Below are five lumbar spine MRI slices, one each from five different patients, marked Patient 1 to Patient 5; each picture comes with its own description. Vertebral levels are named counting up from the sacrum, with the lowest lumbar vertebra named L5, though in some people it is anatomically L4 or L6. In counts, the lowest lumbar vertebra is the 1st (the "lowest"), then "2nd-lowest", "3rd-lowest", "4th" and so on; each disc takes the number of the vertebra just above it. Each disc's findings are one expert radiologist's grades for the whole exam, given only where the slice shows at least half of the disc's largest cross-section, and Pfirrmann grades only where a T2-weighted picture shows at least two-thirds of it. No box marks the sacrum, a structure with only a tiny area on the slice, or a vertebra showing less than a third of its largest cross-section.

Patient 1 of 5:
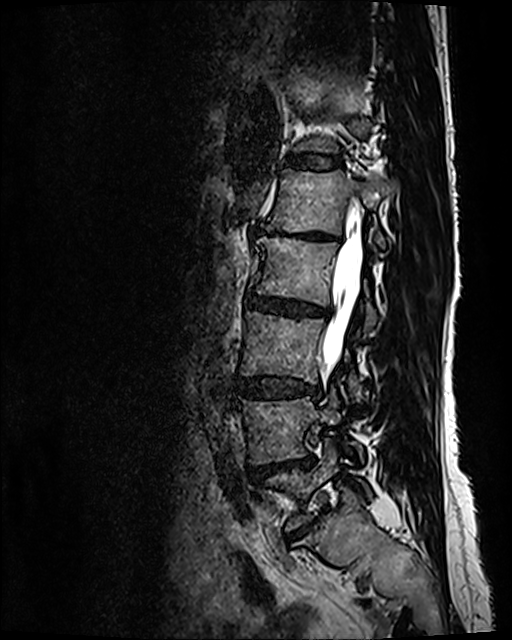

512x640 px; Slice spacing 0.9 mm; T2 SPACE (3D) sagittal MRI of the lumbar spine

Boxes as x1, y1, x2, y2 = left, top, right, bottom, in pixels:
L1 vertebra: 267, 168, 396, 247.
L1/L2: 261, 227, 340, 243.
Thecal sac / spinal canal: 323, 213, 362, 366.
L4/L5: 249, 457, 313, 480.
Intervertebral disc L3/L4: 237, 376, 320, 399.
L2 vertebra: 253, 237, 376, 331.
L5/S1: 288, 519, 316, 538.
L3 vertebra: 240, 311, 361, 402.
L2/L3: 248, 294, 328, 316.
Intervertebral disc T12/L1: 290, 154, 341, 169.
L5: 266, 439, 371, 530.
L4 vertebra: 240, 388, 362, 464.

Per-level radiological findings:
- L3/L4: Pfirrmann grade 3, disc bulging
- L1/L2: Pfirrmann grade 5, disc narrowing, disc bulging, upper-endplate change, Modic type II, lower-endplate change
- L4/L5: disc bulging, disc narrowing, Modic type II
- L2/L3: Pfirrmann grade 3, disc bulging, disc narrowing
- T12/L1: no Modic or endplate change, herniation, narrowing, bulging or spondylolisthesis recorded

Patient 2 of 5:
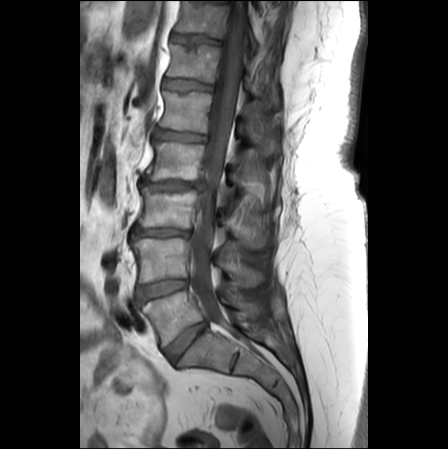
Slice 13/25, Slice spacing 3.3 mm, MRI lumbar spine (T1-weighted), sagittal plane, Image 448x449
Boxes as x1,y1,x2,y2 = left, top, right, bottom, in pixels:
intervertebral disc L3/L4 (3rd-lowest disc): 132,227,190,239
T12/L1 (6th disc): 163,79,211,89
intervertebral disc L2/L3 (4th disc): 139,179,204,189
L4/L5 (2nd-lowest disc): 137,279,187,301
intervertebral disc L5/S1 (lowest disc): 165,322,206,362
L3 (3rd-lowest vertebra): 138,186,267,247
L1 (5th vertebra): 158,92,276,155
intervertebral disc L1/L2 (5th disc): 153,129,205,141
T11/T12 (7th disc): 171,34,218,43
T12 (6th vertebra): 166,45,258,98
T11 (7th vertebra): 176,2,257,48
spinal canal: 190,0,245,322
L2 (4th vertebra): 147,142,269,196
L5 (lowest vertebra): 142,290,259,346
L4 (2nd-lowest vertebra): 131,238,264,286

Degenerative findings by level:
- L3/L4 (3rd-lowest disc): lower-endplate change, upper-endplate change, disc bulging, disc narrowing
- L4/L5 (2nd-lowest disc): upper-endplate change, disc bulging, Modic type II, lower-endplate change
- T11/T12 (7th disc): upper-endplate change
- T12/L1 (6th disc): upper-endplate change
- L5/S1 (lowest disc): disc bulging
- L2/L3 (4th disc): disc narrowing, lower-endplate change, upper-endplate change, Modic type II, disc herniation
- L1/L2 (5th disc): disc bulging

Patient 3 of 5:
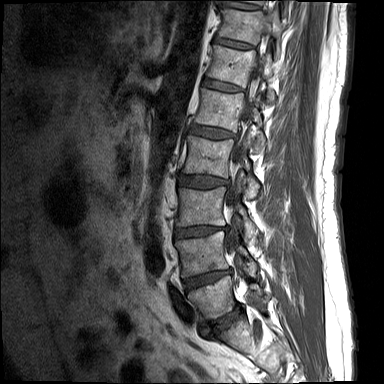 Patient sex: M; Field of view 280x280 mm; Sagittal T1-weighted lumbar spine MRI
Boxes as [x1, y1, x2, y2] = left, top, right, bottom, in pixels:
Structures:
• lowest vertebra — [188, 275, 263, 319]
• 8th disc — [222, 1, 259, 10]
• 2nd-lowest disc — [183, 269, 232, 292]
• 4th vertebra — [182, 135, 259, 197]
• lowest disc — [202, 306, 240, 325]
• 5th vertebra — [194, 88, 265, 148]
• 6th disc — [203, 79, 240, 91]
• 4th disc — [179, 176, 228, 188]
• 2nd-lowest vertebra — [175, 231, 257, 277]
• 3rd-lowest vertebra — [176, 187, 256, 238]
• 7th disc — [214, 37, 253, 49]
• 3rd-lowest disc — [175, 226, 227, 237]
• 7th vertebra — [217, 7, 282, 50]
• thecal sac / spinal canal — [226, 33, 268, 258]
• 8th vertebra — [244, 0, 287, 14]
• 6th vertebra — [207, 45, 275, 102]
• 5th disc — [190, 125, 235, 139]

Radiological gradings:
  4th disc: disc bulging
  3rd-lowest disc: lower-endplate change, disc bulging, disc narrowing, upper-endplate change
  5th disc: disc bulging, upper-endplate change
  lowest disc: disc bulging, disc narrowing, Modic type II, upper-endplate change, lower-endplate change
  2nd-lowest disc: upper-endplate change, Modic type II, lower-endplate change, disc narrowing, disc bulging
  7th disc, 6th disc, 8th disc: no spondylolisthesis, narrowing, bulging, herniation, Modic or endplate change recorded

Patient 4 of 5:
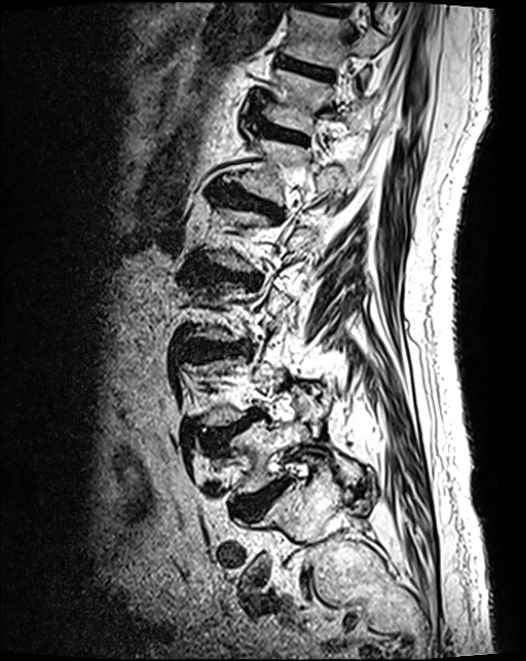

Sex M; Lumbar spine MR, T2 SPACE (3D), sagittal
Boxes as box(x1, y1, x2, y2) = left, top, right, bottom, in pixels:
T11/T12 (7th disc) at box(278, 58, 331, 77); T12 (6th vertebra) at box(265, 70, 370, 134); L2/L3 (4th disc) at box(206, 270, 257, 284); L5 (lowest vertebra) at box(225, 406, 360, 494); L1 (5th vertebra) at box(234, 139, 349, 201); T12/L1 (6th disc) at box(253, 122, 305, 142); disc L3/L4 (3rd-lowest disc) at box(184, 344, 249, 362); L1/L2 (5th disc) at box(215, 187, 280, 217); T11 (7th vertebra) at box(283, 10, 387, 67); L5/S1 (lowest disc) at box(237, 482, 285, 517); disc L4/L5 (2nd-lowest disc) at box(208, 412, 261, 446).

Expert MSK radiologist gradings (per disc):
- L1/L2 (5th disc): Pfirrmann grade 4, lower-endplate change, upper-endplate change, disc bulging
- T11/T12 (7th disc): Pfirrmann grade 3, lower-endplate change
- T12/L1 (6th disc): no herniation, bulging, narrowing, spondylolisthesis, endplate or Modic change recorded

Patient 5 of 5:
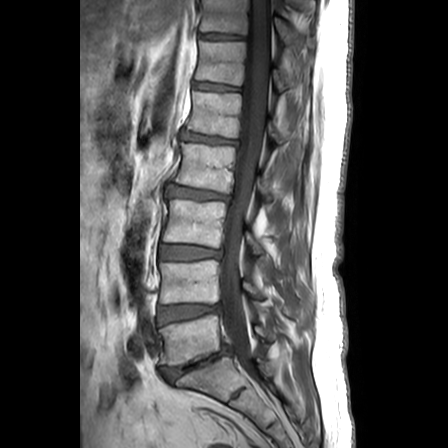 Sagittal slice index 12 | Slice spacing 3.3 mm | Lumbar spine MR, T1-weighted, sagittal

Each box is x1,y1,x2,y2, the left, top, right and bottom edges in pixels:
Disc L5/S1 at 162,345,231,381; disc T11/T12 at 199,33,243,39; T11 vertebra at 199,0,299,44; L4/L5 at 159,304,219,322; T12 at 196,41,286,91; L5 at 159,315,275,365; disc L1/L2 at 183,131,237,144; spinal canal at 220,0,269,371; L2 vertebra at 175,142,272,200; L2/L3 at 167,186,229,201; L1 at 187,91,280,142; L3/L4 at 161,245,220,259; L3 at 163,198,262,254; disc T12/L1 at 193,81,238,90; L4 vertebra at 159,260,263,303.

Radiological gradings:
- L1/L2: lower-endplate change, disc bulging, Modic type II, upper-endplate change
- L4/L5: disc narrowing, disc bulging
- L2/L3: disc bulging
- L5/S1: disc bulging, spondylolisthesis, disc herniation, disc narrowing, lower-endplate change, upper-endplate change, Modic type II
- L3/L4: disc bulging
- T11/T12, T12/L1: no Modic or endplate change, herniation, narrowing, bulging or spondylolisthesis recorded